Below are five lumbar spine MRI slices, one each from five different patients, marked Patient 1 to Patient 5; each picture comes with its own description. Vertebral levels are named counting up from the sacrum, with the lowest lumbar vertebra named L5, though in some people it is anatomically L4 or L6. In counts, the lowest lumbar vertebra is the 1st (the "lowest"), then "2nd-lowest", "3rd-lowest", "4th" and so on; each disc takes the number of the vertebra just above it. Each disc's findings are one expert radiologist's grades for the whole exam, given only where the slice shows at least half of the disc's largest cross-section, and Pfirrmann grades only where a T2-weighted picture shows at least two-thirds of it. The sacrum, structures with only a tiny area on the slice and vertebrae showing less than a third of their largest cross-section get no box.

Patient 1 of 5:
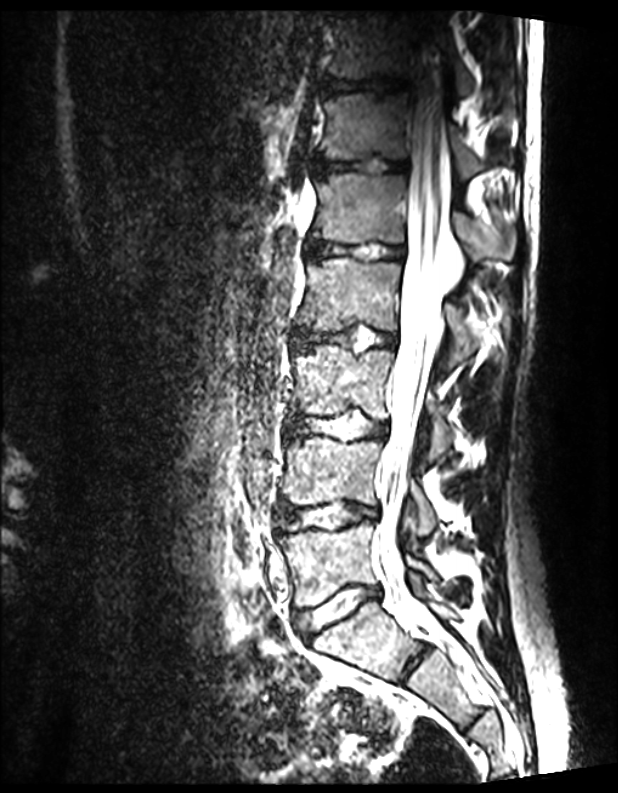
T2 SPACE (3D) sagittal MRI of the lumbar spine | Sex M | Field of view 240x308 mm

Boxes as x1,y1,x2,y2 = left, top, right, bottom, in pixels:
Annotations:
- L4 vertebra: 282,437,434,536
- L3/L4: 288,413,387,439
- L2: 299,257,490,371
- T12 vertebra: 317,92,511,175
- L1 vertebra: 313,173,518,260
- disc T12/L1: 313,159,406,175
- L3 vertebra: 292,345,450,462
- T11 vertebra: 328,13,475,96
- disc L4/L5: 279,503,377,533
- T11/T12: 321,77,404,93
- disc L2/L3: 293,327,398,348
- L5: 281,521,435,606
- L5/S1: 299,586,378,637
- disc L1/L2: 307,238,404,260
- thecal sac / spinal canal: 371,32,450,599

Degenerative findings by level:
  L5/S1: Pfirrmann grade 1
  T11/T12: Pfirrmann grade 1
  L4/L5: Pfirrmann grade 1
  L1/L2: Pfirrmann grade 1
  L3/L4: Pfirrmann grade 1
  L2/L3: Pfirrmann grade 1
  T12/L1: Pfirrmann grade 1

Patient 2 of 5:
MRI lumbar spine (T1-weighted), sagittal plane

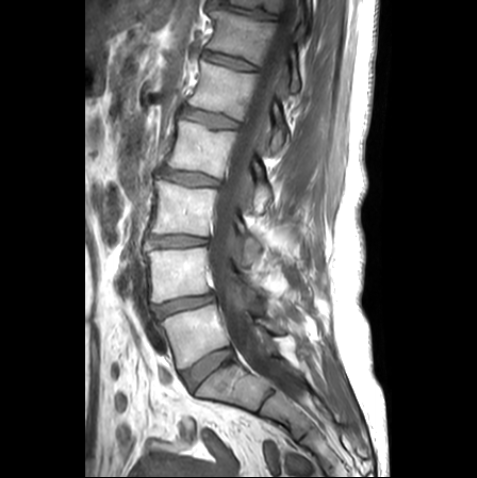
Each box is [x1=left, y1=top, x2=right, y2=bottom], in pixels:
T12 at [x1=209, y1=10, x2=299, y2=92].
L3/L4 at [x1=148, y1=236, x2=207, y2=246].
L1 at [x1=189, y1=61, x2=289, y2=151].
IVD L4/L5 at [x1=153, y1=293, x2=215, y2=318].
T11 at [x1=220, y1=0, x2=310, y2=11].
IVD T11/T12 at [x1=210, y1=3, x2=275, y2=19].
L1/L2 at [x1=183, y1=107, x2=237, y2=128].
L2 vertebra at [x1=167, y1=119, x2=270, y2=212].
L4 vertebra at [x1=148, y1=248, x2=263, y2=302].
L3 vertebra at [x1=150, y1=176, x2=262, y2=262].
L2/L3 at [x1=162, y1=168, x2=218, y2=186].
Spinal canal at [x1=208, y1=0, x2=303, y2=392].
L5 vertebra at [x1=162, y1=304, x2=282, y2=368].
IVD T12/L1 at [x1=203, y1=51, x2=254, y2=70].
L5/S1 at [x1=182, y1=347, x2=232, y2=388].

Degenerative findings by level:
- T12/L1: lower-endplate change, upper-endplate change
- L3/L4: disc narrowing, disc bulging
- T11/T12: upper-endplate change, lower-endplate change, disc narrowing
- L4/L5: lower-endplate change, upper-endplate change, disc narrowing, disc bulging
- L2/L3: upper-endplate change, lower-endplate change, disc bulging
- L1/L2: lower-endplate change, upper-endplate change
- L5/S1: no Modic or endplate change, herniation, narrowing, bulging or spondylolisthesis recorded

Patient 3 of 5:
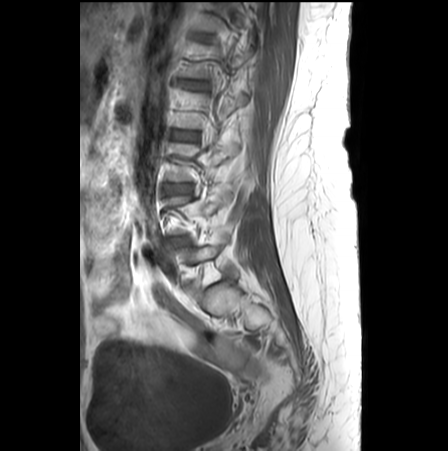
Slice 7 of 26; Patient sex: F; Lumbar spine MR, T1-weighted, sagittal

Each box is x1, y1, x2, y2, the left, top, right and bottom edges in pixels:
- 5th disc — 179, 81, 206, 89
- 5th vertebra — 179, 42, 251, 78
- 4th vertebra — 174, 89, 248, 128
- 2nd-lowest disc — 166, 237, 186, 244
- 3rd-lowest disc — 162, 183, 191, 193
- 4th disc — 170, 130, 198, 140

Per-level radiological findings:
  4th disc, 3rd-lowest disc: no spondylolisthesis, narrowing, bulging, herniation, Modic or endplate change recorded

Patient 4 of 5:
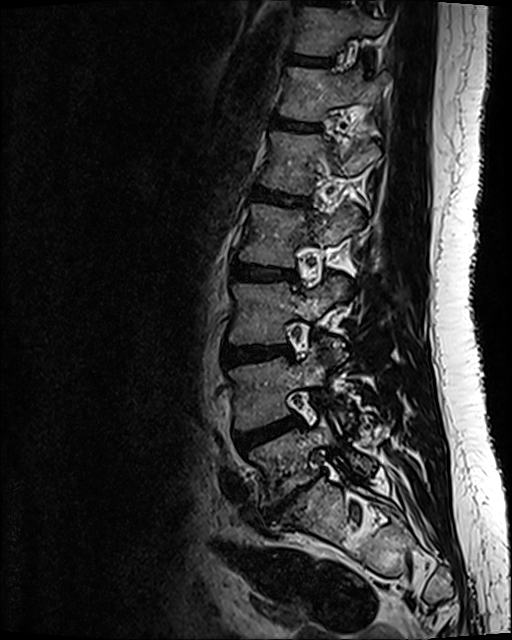 MRI lumbar spine (T2 SPACE (3D)), sagittal plane

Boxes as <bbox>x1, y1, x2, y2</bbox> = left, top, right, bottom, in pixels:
L1 at <bbox>262, 133, 379, 192</bbox> | L1/L2 at <bbox>253, 189, 305, 206</bbox> | disc T12/L1 at <bbox>272, 117, 318, 131</bbox> | disc L3/L4 at <bbox>225, 346, 290, 365</bbox> | L4/L5 at <bbox>236, 416, 300, 450</bbox> | T12 at <bbox>281, 67, 379, 120</bbox> | L4 at <bbox>231, 346, 343, 428</bbox> | disc L5/S1 at <bbox>262, 476, 318, 522</bbox> | T11/T12 at <bbox>290, 56, 330, 64</bbox> | disc L2/L3 at <bbox>233, 261, 296, 281</bbox> | T11 at <bbox>297, 10, 383, 55</bbox> | L2 at <bbox>241, 205, 363, 266</bbox> | L3 vertebra at <bbox>230, 278, 349, 343</bbox> | L5 vertebra at <bbox>251, 418, 373, 504</bbox>

Degenerative findings by level:
• L4/L5: disc bulging
• L2/L3: Pfirrmann grade 2
• L3/L4: disc bulging
• T12/L1, L1/L2: no spondylolisthesis, narrowing, bulging, herniation, Modic or endplate change recorded

Patient 5 of 5:
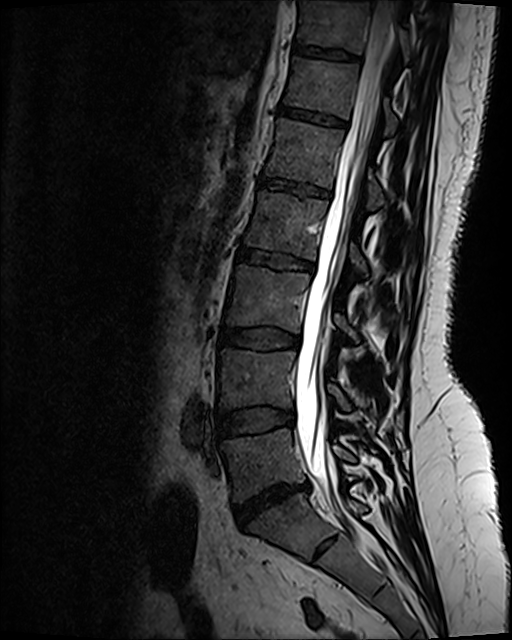

Lumbar spine MR, T2 SPACE (3D), sagittal.

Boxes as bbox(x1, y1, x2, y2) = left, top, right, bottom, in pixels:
L3 (3rd-lowest vertebra) = bbox(227, 267, 358, 342).
IVD L4/L5 (2nd-lowest disc) = bbox(217, 408, 293, 438).
Thecal sac / spinal canal = bbox(297, 1, 392, 502).
IVD L5/S1 (lowest disc) = bbox(234, 486, 306, 527).
L2 (4th vertebra) = bbox(245, 193, 367, 274).
T11 (7th vertebra) = bbox(298, 3, 409, 59).
L5 (lowest vertebra) = bbox(222, 429, 353, 501).
T11/T12 (7th disc) = bbox(293, 47, 356, 61).
IVD L1/L2 (5th disc) = bbox(261, 179, 329, 198).
T12/L1 (6th disc) = bbox(279, 106, 345, 129).
L2/L3 (4th disc) = bbox(238, 249, 314, 271).
L1 (5th vertebra) = bbox(266, 120, 383, 209).
IVD L3/L4 (3rd-lowest disc) = bbox(221, 329, 296, 349).
L4 (2nd-lowest vertebra) = bbox(220, 349, 375, 420).
T12 (6th vertebra) = bbox(286, 59, 396, 134).

Expert MSK radiologist gradings (per disc):
  T11/T12 (7th disc): Pfirrmann grade 2
  L4/L5 (2nd-lowest disc): Pfirrmann grade 2, disc bulging
  L5/S1 (lowest disc): Pfirrmann grade 1, disc narrowing, disc bulging, disc herniation
  L3/L4 (3rd-lowest disc): Pfirrmann grade 2, disc bulging
  L2/L3 (4th disc): Pfirrmann grade 4, disc bulging, upper-endplate change, lower-endplate change
  L1/L2 (5th disc): Pfirrmann grade 2, lower-endplate change, upper-endplate change
  T12/L1 (6th disc): Pfirrmann grade 2, lower-endplate change, upper-endplate change